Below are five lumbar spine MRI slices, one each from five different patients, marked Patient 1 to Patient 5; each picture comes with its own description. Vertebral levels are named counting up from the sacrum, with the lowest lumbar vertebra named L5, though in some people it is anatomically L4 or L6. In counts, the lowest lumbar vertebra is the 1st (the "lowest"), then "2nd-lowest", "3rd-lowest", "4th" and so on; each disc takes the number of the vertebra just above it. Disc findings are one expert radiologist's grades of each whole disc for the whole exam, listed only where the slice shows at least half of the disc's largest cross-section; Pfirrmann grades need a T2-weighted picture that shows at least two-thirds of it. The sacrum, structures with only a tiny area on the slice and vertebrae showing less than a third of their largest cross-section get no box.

Patient 1 of 5:
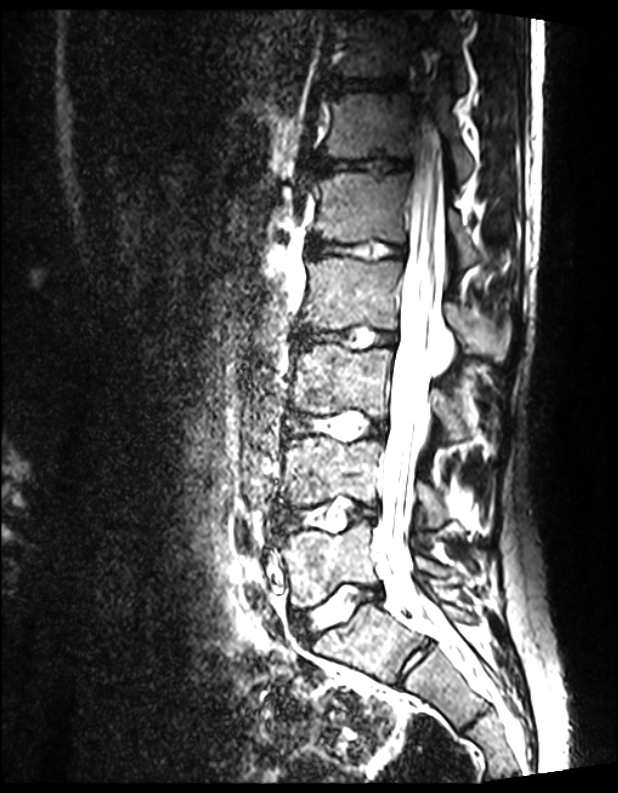

Patient sex: M, T2 SPACE (3D) sagittal MRI of the lumbar spine, Sagittal slice index 71

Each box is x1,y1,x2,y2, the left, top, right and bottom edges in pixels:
Annotations:
• L2 (4th vertebra): 299,257,512,362
• intervertebral disc L3/L4 (3rd-lowest disc): 287,412,387,439
• L4 (2nd-lowest vertebra): 282,437,441,528
• thecal sac / spinal canal: 372,42,451,644
• intervertebral disc T11/T12 (7th disc): 323,77,404,93
• T12/L1 (6th disc): 316,157,407,175
• L5/S1 (lowest disc): 296,585,381,639
• L2/L3 (4th disc): 293,325,395,348
• L5 (lowest vertebra): 277,520,444,607
• L3 (3rd-lowest vertebra): 292,344,462,443
• L1 (5th vertebra): 313,173,484,261
• T12 (6th vertebra): 324,92,473,181
• intervertebral disc L4/L5 (2nd-lowest disc): 277,500,377,531
• T11 (7th vertebra): 337,9,468,91
• L1/L2 (5th disc): 309,237,405,260

Radiological gradings:
  T12/L1 (6th disc): Pfirrmann grade 1
  L2/L3 (4th disc): Pfirrmann grade 1
  L4/L5 (2nd-lowest disc): Pfirrmann grade 1
  L3/L4 (3rd-lowest disc): Pfirrmann grade 1
  L5/S1 (lowest disc): Pfirrmann grade 1
  T11/T12 (7th disc): Pfirrmann grade 1
  L1/L2 (5th disc): Pfirrmann grade 1

Patient 2 of 5:
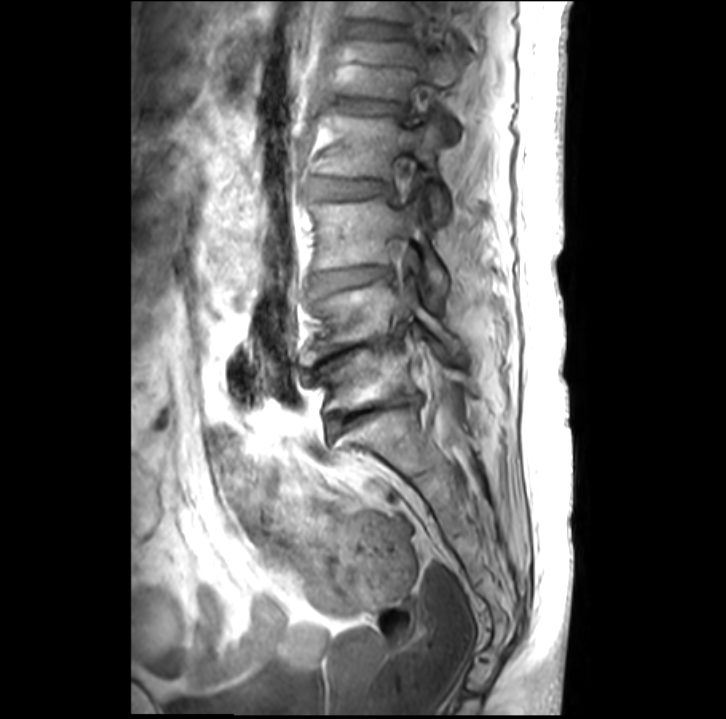

Field of view 285x282 mm, slice spacing 3.4 mm. Image 726x719. MRI lumbar spine (T1-weighted), sagittal plane.

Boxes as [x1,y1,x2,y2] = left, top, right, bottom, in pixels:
Structures:
• L5/S1 at [328,395,419,432]
• L3/L4 at [315,266,389,290]
• L2 vertebra at [319,109,449,221]
• L3 at [311,198,447,302]
• spinal canal at [434,401,458,445]
• disc L4/L5 at [313,335,400,376]
• L1 vertebra at [345,40,472,136]
• L5 at [325,336,474,409]
• disc L1/L2 at [341,98,401,111]
• L4 vertebra at [299,278,462,366]
• T12/L1 at [368,23,403,35]
• disc L2/L3 at [314,178,387,197]

Expert MSK radiologist gradings (per disc):
- L3/L4: disc narrowing, Modic type II
- L4/L5: disc narrowing
- L5/S1: Modic type II, disc narrowing
- L1/L2: disc bulging, disc narrowing
- L2/L3: no herniation, bulging, narrowing, spondylolisthesis, endplate or Modic change recorded

Patient 3 of 5:
320x320 px; SIEMENS Skyra_fit (3T); Lumbar spine MR, T1-weighted, sagittal; Slice 12 of 15
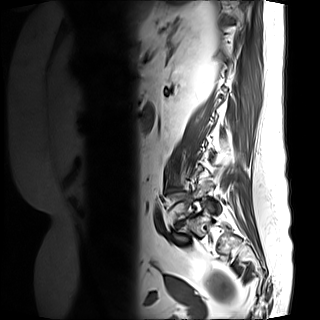 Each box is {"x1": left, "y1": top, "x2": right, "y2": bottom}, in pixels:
L5 vertebra at {"x1": 167, "y1": 191, "x2": 221, "y2": 220}, L5/S1 at {"x1": 175, "y1": 215, "x2": 191, "y2": 227}.

Patient 4 of 5:
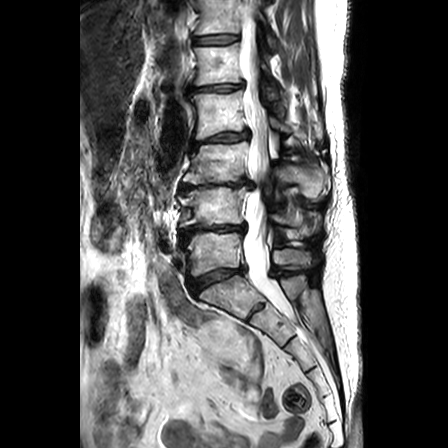 Field of view 280x280 mm, MRI lumbar spine (T2-weighted), sagittal plane, Patient sex: F, Sagittal slice index 11

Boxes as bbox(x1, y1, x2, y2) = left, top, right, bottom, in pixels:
{"spinal canal": "bbox(244, 5, 289, 311)", "intervertebral disc L1/L2": "bbox(188, 82, 245, 92)", "intervertebral disc L2/L3": "bbox(191, 129, 248, 152)", "L5 vertebra": "bbox(186, 232, 311, 276)", "T12 vertebra": "bbox(197, 0, 274, 48)", "intervertebral disc L5/S1": "bbox(188, 267, 245, 294)", "L2": "bbox(188, 89, 321, 139)", "L3/L4": "bbox(180, 178, 254, 190)", "intervertebral disc L4/L5": "bbox(180, 223, 246, 243)", "L4 vertebra": "bbox(179, 186, 320, 237)", "L1 vertebra": "bbox(195, 43, 276, 85)", "intervertebral disc T12/L1": "bbox(196, 34, 238, 43)", "L3": "bbox(183, 141, 324, 196)"}

Radiological gradings:
  L1/L2: disc bulging
  L3/L4: disc bulging, Modic type II, lower-endplate change, disc narrowing, upper-endplate change
  L5/S1: Pfirrmann grade 3, lower-endplate change, upper-endplate change, disc narrowing, disc bulging
  L2/L3: Pfirrmann grade 3, lower-endplate change, disc narrowing, upper-endplate change, disc bulging
  L4/L5: Pfirrmann grade 5, upper-endplate change, lower-endplate change, Modic type II, disc bulging, disc narrowing
  T12/L1: Pfirrmann grade 1

Patient 5 of 5:
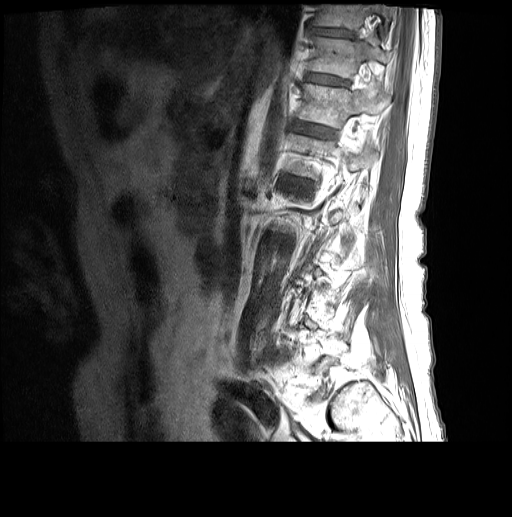

Slice 5/24, Sagittal T1-weighted lumbar spine MRI, Field of view 300x303 mm, slice spacing 3.3 mm, Image 512x517

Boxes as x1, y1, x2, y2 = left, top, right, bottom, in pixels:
* T10 (8th vertebra) — 314, 4, 394, 29
* T12 (6th vertebra) — 299, 83, 389, 127
* T11 (7th vertebra) — 310, 37, 391, 77
* IVD T11/T12 (7th disc) — 307, 74, 344, 84
* T10/T11 (8th disc) — 310, 28, 352, 37
* IVD T12/L1 (6th disc) — 295, 123, 333, 137

Radiological gradings:
  T10/T11 (8th disc), T11/T12 (7th disc), T12/L1 (6th disc): no spondylolisthesis, narrowing, bulging, herniation, Modic or endplate change recorded